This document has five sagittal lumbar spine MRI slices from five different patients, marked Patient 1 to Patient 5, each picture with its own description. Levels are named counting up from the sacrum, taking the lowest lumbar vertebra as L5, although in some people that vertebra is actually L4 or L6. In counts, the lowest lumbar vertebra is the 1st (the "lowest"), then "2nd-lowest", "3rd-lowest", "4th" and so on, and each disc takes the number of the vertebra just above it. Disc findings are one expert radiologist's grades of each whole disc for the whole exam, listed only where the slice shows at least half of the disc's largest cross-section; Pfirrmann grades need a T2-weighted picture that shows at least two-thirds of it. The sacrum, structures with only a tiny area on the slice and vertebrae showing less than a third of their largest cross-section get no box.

Patient 1 of 5:
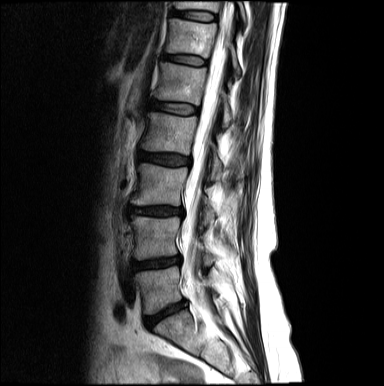

MRI lumbar spine (T2-weighted), sagittal plane, Image 384x386

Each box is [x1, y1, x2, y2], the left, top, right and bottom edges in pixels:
{"IVD L1/L2": "[149, 101, 198, 115]", "IVD L4/L5": "[133, 256, 180, 269]", "L5": "[134, 267, 214, 314]", "L1": "[155, 63, 234, 127]", "L4": "[131, 216, 214, 265]", "T12 vertebra": "[166, 18, 240, 77]", "spinal canal": "[182, 1, 230, 242]", "T11 vertebra": "[174, 1, 246, 23]", "IVD L5/S1": "[145, 300, 185, 326]", "T11/T12": "[171, 10, 216, 21]", "L3": "[131, 164, 215, 223]", "IVD L3/L4": "[129, 206, 183, 215]", "L2 vertebra": "[140, 112, 223, 178]", "T12/L1": "[163, 54, 206, 65]", "L2/L3": "[138, 151, 190, 165]"}

Radiological gradings:
• T11/T12: Pfirrmann grade 2
• L4/L5: Pfirrmann grade 4, disc bulging, disc narrowing, disc herniation
• L3/L4: Pfirrmann grade 4, upper-endplate change, disc narrowing, disc bulging, lower-endplate change
• T12/L1: Pfirrmann grade 2
• L1/L2: Pfirrmann grade 2
• L5/S1: disc narrowing, disc bulging
• L2/L3: Pfirrmann grade 3, disc bulging

Patient 2 of 5:
Sex F, Scanner: Philips Healthcare Ingenia (3T), Sagittal slice index 8, 448x451 px, Lumbar spine MR, T1-weighted, sagittal
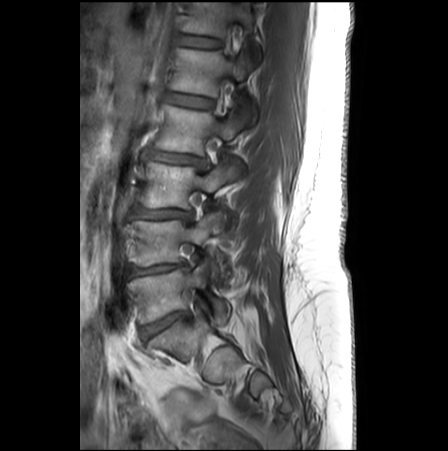
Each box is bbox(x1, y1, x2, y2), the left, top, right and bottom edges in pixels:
T12 — bbox(183, 0, 259, 57) | spinal canal — bbox(222, 61, 230, 82) | L5 vertebra — bbox(127, 262, 230, 323) | L2 — bbox(153, 106, 247, 154) | L1 vertebra — bbox(170, 48, 256, 123) | disc L1/L2 — bbox(165, 92, 212, 107) | disc L2/L3 — bbox(150, 151, 202, 165) | disc L5/S1 — bbox(140, 312, 189, 338) | disc L4/L5 — bbox(129, 263, 184, 276) | disc L3/L4 — bbox(132, 207, 190, 218) | L4 vertebra — bbox(128, 212, 221, 274) | L3 vertebra — bbox(140, 155, 242, 208) | T12/L1 — bbox(177, 35, 220, 48)

Expert MSK radiologist gradings (per disc):
- L3/L4: disc bulging, Modic type II
- L2/L3: disc narrowing, disc bulging
- L4/L5: disc bulging, disc narrowing, upper-endplate change, Modic type II
- L5/S1: disc narrowing, Modic type II, disc bulging
- L1/L2, T12/L1: no Modic or endplate change, herniation, narrowing, bulging or spondylolisthesis recorded

Patient 3 of 5:
Sagittal T2 SPACE (3D) lumbar spine MRI. 512x640 px. Slice spacing 0.9 mm. 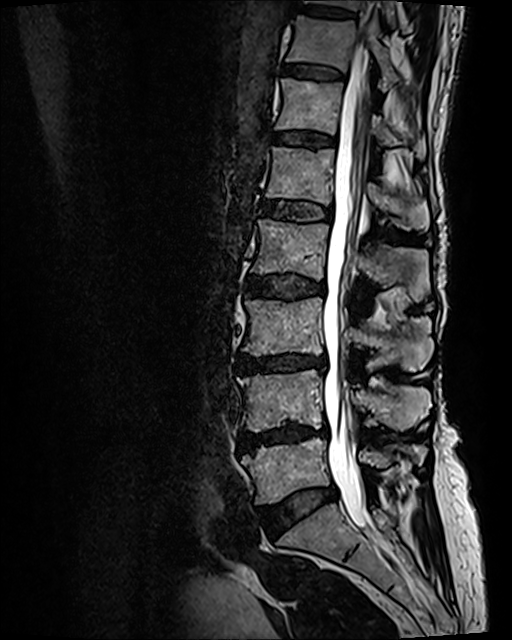 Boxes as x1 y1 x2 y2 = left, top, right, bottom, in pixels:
lowest disc: 260 487 336 532
3rd-lowest vertebra: 242 296 433 371
6th vertebra: 275 77 426 160
thecal sac / spinal canal: 322 43 377 535
4th vertebra: 252 219 429 301
5th vertebra: 266 146 427 231
2nd-lowest vertebra: 237 369 430 432
7th vertebra: 286 16 398 91
7th disc: 284 64 344 78
8th disc: 302 6 352 17
4th disc: 248 274 325 298
3rd-lowest disc: 238 354 326 372
5th disc: 261 200 331 220
8th vertebra: 307 0 395 26
2nd-lowest disc: 240 424 327 449
lowest vertebra: 242 437 427 505
6th disc: 274 131 335 145

Radiological gradings:
- 2nd-lowest disc: Pfirrmann grade 4, Modic type II, upper-endplate change, lower-endplate change, disc narrowing, disc bulging
- 7th disc: Pfirrmann grade 2, Modic type II, upper-endplate change, lower-endplate change
- 5th disc: Pfirrmann grade 3, Modic type II, upper-endplate change, lower-endplate change
- lowest disc: Pfirrmann grade 2, disc bulging
- 4th disc: Pfirrmann grade 3, upper-endplate change, Modic type II, lower-endplate change, disc bulging
- 3rd-lowest disc: Pfirrmann grade 4, lower-endplate change, upper-endplate change, Modic type II, disc narrowing, disc bulging
- 6th disc: Pfirrmann grade 2, Modic type II, upper-endplate change, lower-endplate change
- 8th disc: Pfirrmann grade 2, upper-endplate change, lower-endplate change

Patient 4 of 5:
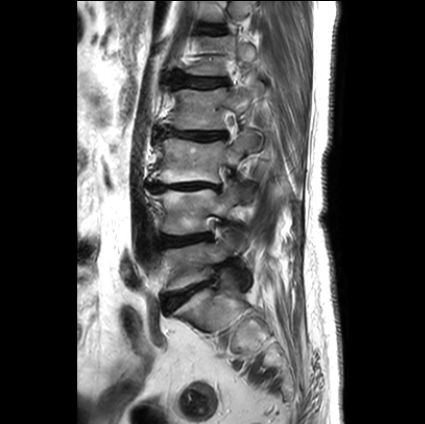 Sagittal slice index 7. T2-weighted sagittal MRI of the lumbar spine. Image 425x424.
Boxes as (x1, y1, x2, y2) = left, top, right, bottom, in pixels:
L2 vertebra at (162, 83, 263, 147), L3 vertebra at (149, 131, 257, 183), disc L5/S1 at (164, 281, 209, 311), disc L3/L4 at (148, 183, 218, 191), L4 at (147, 184, 254, 251), disc L4/L5 at (160, 234, 210, 246), disc L1/L2 at (174, 72, 226, 87), L5 at (164, 233, 249, 291), L2/L3 at (157, 127, 225, 140).

Expert MSK radiologist gradings (per disc):
• L1/L2: Pfirrmann grade 4, disc bulging, upper-endplate change, lower-endplate change
• L4/L5: Pfirrmann grade 2, disc bulging
• L2/L3: Pfirrmann grade 1, upper-endplate change, disc narrowing, lower-endplate change, disc bulging
• L3/L4: Pfirrmann grade 5, disc bulging, upper-endplate change, disc narrowing, lower-endplate change, Modic type II
• L5/S1: disc bulging

Patient 5 of 5:
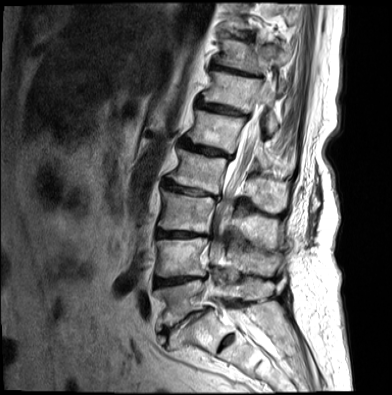 Image 392x395; Sagittal T2-weighted lumbar spine MRI; Field of view 280x282 mm, slice spacing 4.4 mm

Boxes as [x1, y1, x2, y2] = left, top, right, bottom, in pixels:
L1 vertebra = [185, 110, 291, 173].
T12 = [200, 72, 276, 133].
L2/L3 = [162, 179, 216, 198].
L3 = [157, 191, 277, 250].
L4 = [154, 237, 276, 278].
L2 vertebra = [167, 148, 286, 213].
Intervertebral disc T11/T12 = [211, 65, 249, 75].
L5 vertebra = [152, 280, 271, 325].
L4/L5 = [152, 278, 203, 288].
T11 = [215, 40, 290, 75].
L5/S1 = [162, 309, 208, 340].
L1/L2 = [179, 139, 232, 160].
T12/L1 = [196, 100, 242, 115].
Spinal canal = [208, 106, 259, 332].
Intervertebral disc L3/L4 = [154, 230, 207, 237].

Per-level radiological findings:
  L3/L4: Pfirrmann grade 5, upper-endplate change, lower-endplate change, disc bulging, Modic type II, disc narrowing
  L2/L3: Pfirrmann grade 3, lower-endplate change, upper-endplate change, disc narrowing, disc herniation, Modic type II, disc bulging
  L1/L2: Pfirrmann grade 4, disc narrowing, disc bulging, lower-endplate change, upper-endplate change, Modic type II
  T12/L1: Pfirrmann grade 4, lower-endplate change, upper-endplate change, disc narrowing, Modic type II, disc bulging
  L4/L5: Pfirrmann grade 5, Modic type II, lower-endplate change, upper-endplate change, disc bulging, disc narrowing
  T11/T12: Pfirrmann grade 4, disc narrowing, disc bulging, Modic type II
  L5/S1: Pfirrmann grade 3, disc narrowing, disc bulging, spondylolisthesis, Modic type II